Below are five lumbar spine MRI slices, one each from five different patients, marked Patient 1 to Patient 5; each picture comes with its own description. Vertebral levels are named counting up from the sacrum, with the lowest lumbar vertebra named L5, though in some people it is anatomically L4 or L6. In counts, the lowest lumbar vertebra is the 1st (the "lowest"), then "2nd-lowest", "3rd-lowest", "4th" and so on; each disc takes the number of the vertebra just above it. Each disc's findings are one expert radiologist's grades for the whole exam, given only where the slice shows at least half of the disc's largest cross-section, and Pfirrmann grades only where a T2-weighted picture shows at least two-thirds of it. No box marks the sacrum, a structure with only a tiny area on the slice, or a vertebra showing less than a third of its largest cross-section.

Patient 1 of 5:
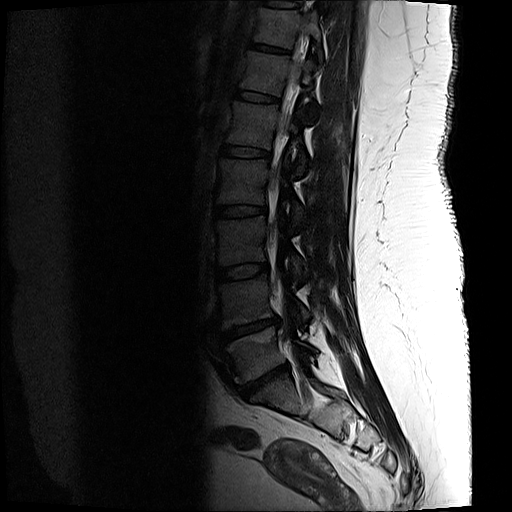
Patient sex: F | MRI lumbar spine (T2-weighted), sagittal plane
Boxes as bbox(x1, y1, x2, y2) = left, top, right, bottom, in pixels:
7th vertebra: bbox(253, 8, 323, 60)
5th disc: bbox(221, 145, 270, 157)
6th disc: bbox(236, 90, 278, 102)
3rd-lowest vertebra: bbox(214, 216, 306, 282)
spinal canal: bbox(269, 31, 307, 299)
lowest vertebra: bbox(224, 326, 318, 383)
5th vertebra: bbox(226, 101, 308, 174)
3rd-lowest disc: bbox(216, 263, 268, 281)
2nd-lowest disc: bbox(220, 317, 280, 342)
7th disc: bbox(248, 42, 288, 52)
lowest disc: bbox(238, 363, 289, 399)
6th vertebra: bbox(240, 50, 317, 118)
4th vertebra: bbox(216, 158, 305, 228)
2nd-lowest vertebra: bbox(217, 275, 310, 329)
4th disc: bbox(214, 205, 266, 217)

Per-level radiological findings:
  lowest disc: Pfirrmann grade 5, disc narrowing, Modic type II, lower-endplate change, upper-endplate change, disc herniation
  5th disc: Pfirrmann grade 3, lower-endplate change
  3rd-lowest disc: Pfirrmann grade 3
  7th disc: Pfirrmann grade 3, lower-endplate change
  2nd-lowest disc: Pfirrmann grade 5, upper-endplate change, Modic type II, disc herniation, disc narrowing, lower-endplate change
  6th disc: Pfirrmann grade 3
  4th disc: Pfirrmann grade 3, upper-endplate change, lower-endplate change

Patient 2 of 5:
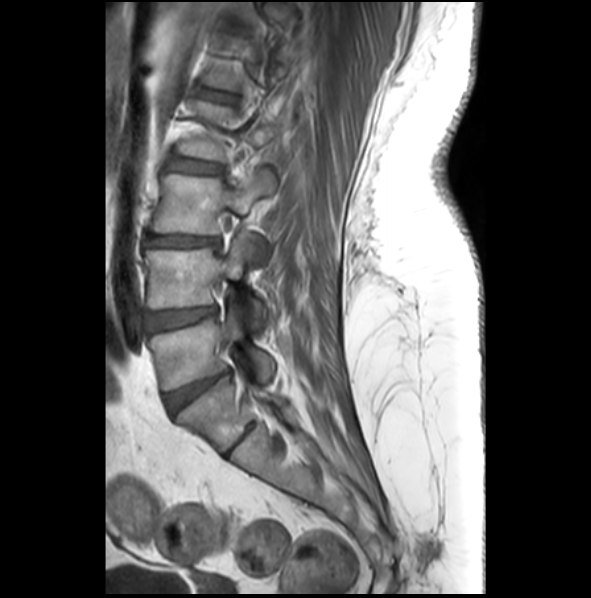 Lumbar spine MR, T1-weighted, sagittal; Sex F; 591x598 px

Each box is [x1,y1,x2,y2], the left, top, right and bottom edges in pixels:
L2/L3 at [166,157,222,173], L4/L5 at [145,307,218,331], L1/L2 at [198,88,231,102], L2 vertebra at [177,100,291,160], L3/L4 at [145,234,221,245], L4 at [145,237,267,327], L5/S1 at [166,369,230,413], L5 vertebra at [150,307,274,391], L3 at [152,170,275,235].

Radiological gradings:
- L4/L5: disc bulging
- L3/L4: lower-endplate change, disc bulging, Modic type II, disc narrowing, upper-endplate change
- L5/S1: upper-endplate change, disc bulging, lower-endplate change
- L2/L3: no spondylolisthesis, narrowing, bulging, herniation, Modic or endplate change recorded

Patient 3 of 5:
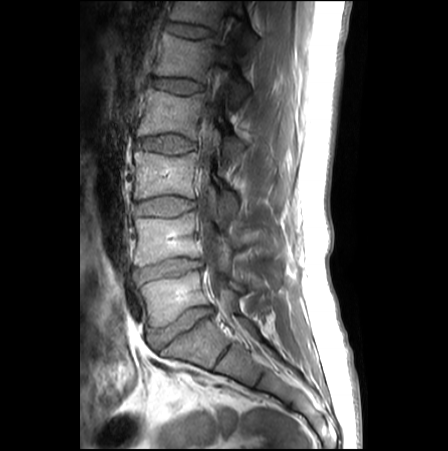 Sagittal T1-weighted lumbar spine MRI. Patient sex: M.

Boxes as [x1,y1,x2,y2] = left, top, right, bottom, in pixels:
spinal canal at [197,16,231,317] | IVD L1/L2 at [151,78,203,93] | L4 at [134,213,243,266] | IVD T12/L1 at [168,22,212,37] | L5/S1 at [149,307,212,348] | L3 at [134,151,239,215] | L2/L3 at [136,135,194,153] | L2 at [136,90,244,158] | L1 vertebra at [153,31,250,106] | IVD L4/L5 at [134,258,202,281] | L5 at [140,272,251,326] | IVD L3/L4 at [134,196,193,217] | T12 vertebra at [169,1,257,52]

Expert MSK radiologist gradings (per disc):
• T12/L1: lower-endplate change
• L5/S1: disc narrowing, disc bulging
• L4/L5: disc narrowing, disc bulging
• L3/L4, L1/L2, L2/L3: no Modic or endplate change, herniation, narrowing, bulging or spondylolisthesis recorded

Patient 4 of 5:
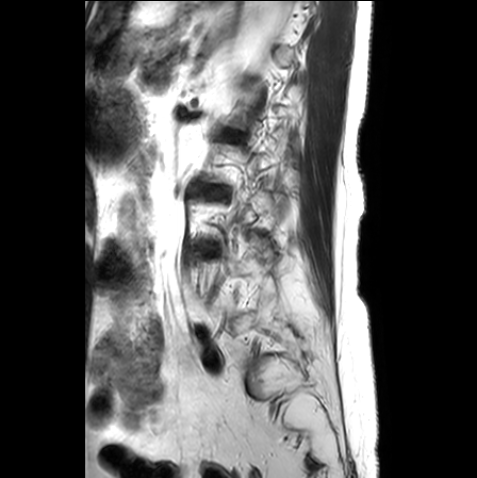 Sagittal T2-weighted lumbar spine MRI, Field of view 280x281 mm
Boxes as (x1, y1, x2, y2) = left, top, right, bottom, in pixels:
Segmented structures:
• L2/L3 at (194, 185, 230, 199)
• disc L1/L2 at (217, 132, 241, 141)

Degenerative findings by level:
• L2/L3: Pfirrmann grade 2, upper-endplate change, disc bulging, lower-endplate change

Patient 5 of 5:
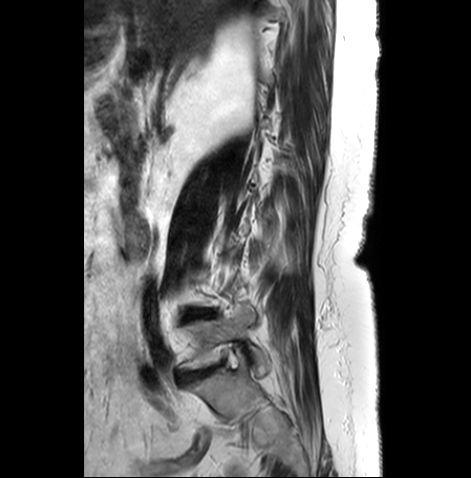 Sagittal T2-weighted lumbar spine MRI

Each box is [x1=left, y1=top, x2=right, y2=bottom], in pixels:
Structures:
- L5 vertebra at [x1=182, y1=304, x2=269, y2=373]
- L4/L5 at [x1=191, y1=310, x2=211, y2=316]
- L5/S1 at [x1=183, y1=370, x2=206, y2=381]